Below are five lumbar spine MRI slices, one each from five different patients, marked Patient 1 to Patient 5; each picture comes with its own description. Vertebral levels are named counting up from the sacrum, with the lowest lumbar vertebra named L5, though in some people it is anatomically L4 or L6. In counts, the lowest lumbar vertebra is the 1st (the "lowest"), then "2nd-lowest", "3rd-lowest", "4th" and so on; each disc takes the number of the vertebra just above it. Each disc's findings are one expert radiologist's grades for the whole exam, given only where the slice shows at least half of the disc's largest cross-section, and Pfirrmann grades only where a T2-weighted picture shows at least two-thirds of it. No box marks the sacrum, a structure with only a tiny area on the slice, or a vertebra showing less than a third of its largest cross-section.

Patient 1 of 5:
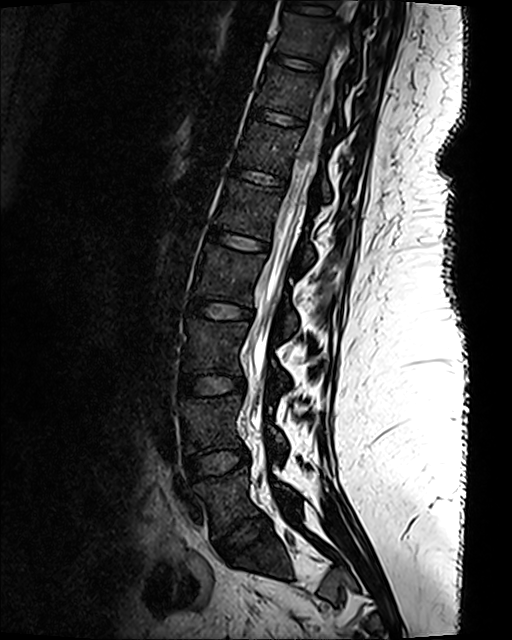 512x640 px; T2 SPACE (3D) sagittal MRI of the lumbar spine
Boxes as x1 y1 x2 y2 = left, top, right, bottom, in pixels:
T10/T11: 270 52 320 72 | L5/S1: 215 514 269 560 | disc L3/L4: 179 374 245 396 | T12 vertebra: 237 121 331 200 | L3 vertebra: 183 318 289 379 | thecal sac / spinal canal: 249 2 353 468 | disc T11/T12: 251 107 303 126 | L5 vertebra: 192 467 298 536 | T10: 275 12 360 76 | disc L1/L2: 209 228 267 250 | T11 vertebra: 256 64 343 134 | L2: 193 244 298 331 | L4 vertebra: 179 394 288 454 | disc T12/L1: 231 164 285 185 | L2/L3: 188 298 252 319 | disc L4/L5: 186 447 249 479 | L1: 214 179 315 263

Radiological gradings:
- L3/L4: Pfirrmann grade 1
- L5/S1: Pfirrmann grade 1
- T10/T11: Pfirrmann grade 1
- L4/L5: Pfirrmann grade 1
- L1/L2: Pfirrmann grade 1
- L2/L3: Pfirrmann grade 1
- T12/L1: Pfirrmann grade 1
- T11/T12: Pfirrmann grade 1

Patient 2 of 5:
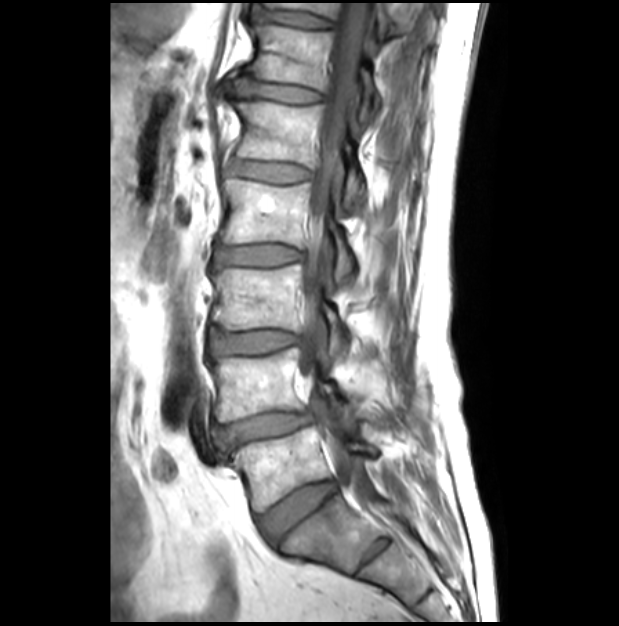 Field of view 280x283 mm, slice spacing 3.3 mm, Sagittal T1-weighted lumbar spine MRI, Sagittal slice index 12, Image 619x626

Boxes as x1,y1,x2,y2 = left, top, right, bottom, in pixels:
7th vertebra at 265,2,401,37; 7th disc at 258,10,330,27; 2nd-lowest disc at 220,412,311,446; lowest vertebra at 226,426,377,511; 3rd-lowest disc at 210,330,296,356; 2nd-lowest vertebra at 209,347,351,422; 4th disc at 214,245,299,266; 6th vertebra at 249,25,380,121; 4th vertebra at 221,179,353,283; 3rd-lowest vertebra at 211,265,348,362; spinal canal at 298,0,380,509; lowest disc at 258,480,336,543; 5th vertebra at 235,102,364,208; 5th disc at 228,160,308,182; 6th disc at 235,79,319,102.

Expert MSK radiologist gradings (per disc):
• 2nd-lowest disc: lower-endplate change, spondylolisthesis, disc narrowing, disc bulging, upper-endplate change
• 3rd-lowest disc, 6th disc, 7th disc, 5th disc, 4th disc, lowest disc: no Modic or endplate change, herniation, narrowing, bulging or spondylolisthesis recorded

Patient 3 of 5:
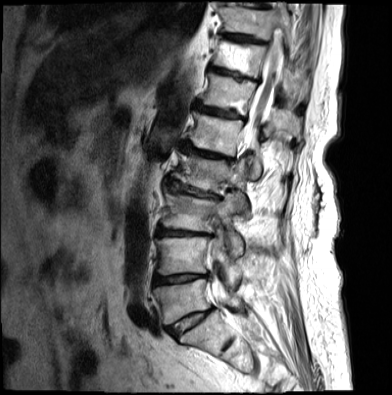 Patient sex: F | MRI lumbar spine (T2-weighted), sagittal plane | 392x395 px | Field of view 280x282 mm, slice spacing 4.4 mm | Slice 10 of 17

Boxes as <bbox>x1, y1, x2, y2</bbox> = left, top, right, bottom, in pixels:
{"8th disc": "<bbox>218, 33, 265, 44</bbox>", "2nd-lowest vertebra": "<bbox>154, 234, 240, 290</bbox>", "4th disc": "<bbox>166, 180, 218, 200</bbox>", "3rd-lowest disc": "<bbox>155, 227, 210, 237</bbox>", "3rd-lowest vertebra": "<bbox>161, 191, 243, 256</bbox>", "spinal canal": "<bbox>208, 26, 283, 308</bbox>", "lowest disc": "<bbox>165, 308, 212, 339</bbox>", "6th disc": "<bbox>196, 103, 242, 119</bbox>", "lowest vertebra": "<bbox>153, 279, 245, 325</bbox>", "9th disc": "<bbox>238, 2, 267, 8</bbox>", "5th vertebra": "<bbox>188, 111, 260, 178</bbox>", "5th disc": "<bbox>180, 141, 232, 163</bbox>", "7th vertebra": "<bbox>212, 40, 308, 99</bbox>", "8th vertebra": "<bbox>219, 5, 295, 47</bbox>", "2nd-lowest disc": "<bbox>152, 275, 206, 285</bbox>", "4th vertebra": "<bbox>173, 154, 247, 192</bbox>", "7th disc": "<bbox>208, 66, 258, 81</bbox>", "6th vertebra": "<bbox>201, 73, 300, 137</bbox>"}

Degenerative findings by level:
- 4th disc: Pfirrmann grade 3, disc bulging, disc herniation, Modic type II, lower-endplate change, disc narrowing, upper-endplate change
- 2nd-lowest disc: Pfirrmann grade 5, disc narrowing, upper-endplate change, disc bulging, lower-endplate change, Modic type II
- lowest disc: Pfirrmann grade 3, disc narrowing, Modic type II, disc bulging, spondylolisthesis
- 6th disc: Pfirrmann grade 4, lower-endplate change, disc narrowing, upper-endplate change, disc bulging, Modic type II
- 9th disc: Pfirrmann grade 2
- 5th disc: Pfirrmann grade 4, lower-endplate change, disc narrowing, disc bulging, Modic type II, upper-endplate change
- 7th disc: Pfirrmann grade 4, Modic type II, disc bulging, disc narrowing
- 3rd-lowest disc: Pfirrmann grade 5, upper-endplate change, lower-endplate change, disc bulging, disc narrowing, Modic type II
- 8th disc: Pfirrmann grade 4, Modic type II

Patient 4 of 5:
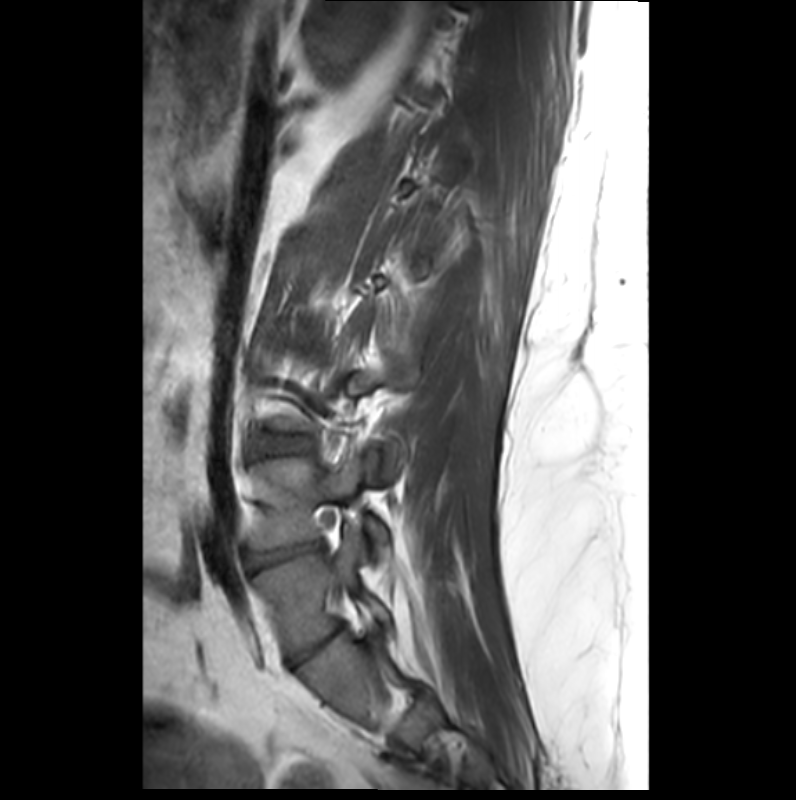 Lumbar spine MR, T1-weighted, sagittal

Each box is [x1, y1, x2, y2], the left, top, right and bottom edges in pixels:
Lowest disc = [292, 624, 345, 665].
Lowest vertebra = [255, 531, 392, 658].
2nd-lowest disc = [249, 544, 317, 567].
2nd-lowest vertebra = [249, 450, 388, 548].
3rd-lowest disc = [273, 436, 310, 454].

Patient 5 of 5:
Sex F. Image 448x451. MRI lumbar spine (T2-weighted), sagittal plane.
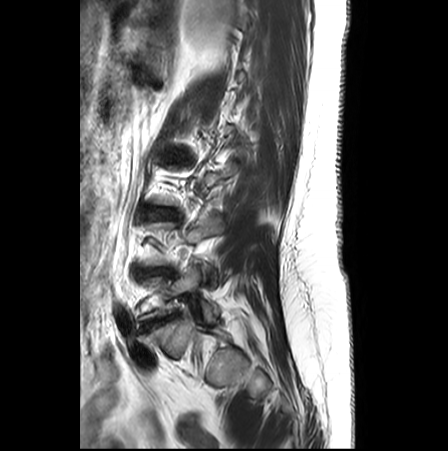

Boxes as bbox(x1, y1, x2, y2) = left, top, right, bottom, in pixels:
L5: bbox(140, 266, 214, 321) | L3/L4: bbox(157, 209, 177, 218) | L5/S1: bbox(142, 315, 172, 330) | intervertebral disc L4/L5: bbox(135, 268, 174, 276)

Degenerative findings by level:
  L4/L5: disc bulging, Modic type II, disc narrowing, upper-endplate change